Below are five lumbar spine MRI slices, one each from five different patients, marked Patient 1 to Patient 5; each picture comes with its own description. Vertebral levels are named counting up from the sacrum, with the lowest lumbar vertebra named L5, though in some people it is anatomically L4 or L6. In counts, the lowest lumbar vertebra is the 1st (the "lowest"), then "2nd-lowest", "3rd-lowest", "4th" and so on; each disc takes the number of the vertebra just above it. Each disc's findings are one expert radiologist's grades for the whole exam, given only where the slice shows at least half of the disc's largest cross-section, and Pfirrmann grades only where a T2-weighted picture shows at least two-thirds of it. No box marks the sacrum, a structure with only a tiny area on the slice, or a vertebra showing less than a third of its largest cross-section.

Patient 1 of 5:
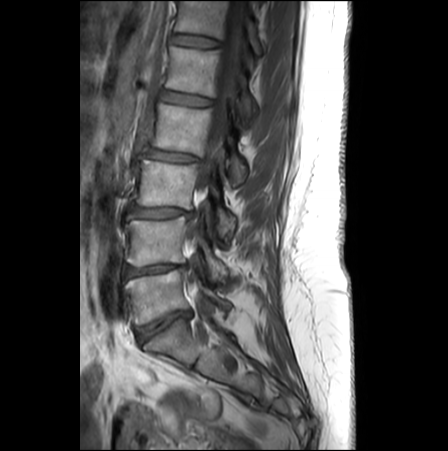
Lumbar spine MR, T1-weighted, sagittal. 448x451 px.
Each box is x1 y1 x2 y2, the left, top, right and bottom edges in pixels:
L5 at 124 268 229 323.
Intervertebral disc L3/L4 at 128 206 190 218.
L4/L5 at 122 263 185 277.
L4 vertebra at 124 216 227 280.
L3 at 136 159 235 239.
Intervertebral disc T12/L1 at 171 33 217 47.
L2 vertebra at 150 104 245 187.
L1/L2 at 161 91 210 106.
T12 at 175 0 262 54.
Spinal canal at 185 0 246 290.
Intervertebral disc L5/S1 at 137 311 190 343.
L1 at 165 46 256 119.
L2/L3 at 146 150 200 162.

Degenerative findings by level:
• L5/S1: disc narrowing, disc bulging, Modic type II
• L4/L5: upper-endplate change, disc bulging, disc narrowing, Modic type II
• L3/L4: disc bulging, Modic type II
• L2/L3: disc bulging, disc narrowing
• T12/L1, L1/L2: no spondylolisthesis, narrowing, bulging, herniation, Modic or endplate change recorded

Patient 2 of 5:
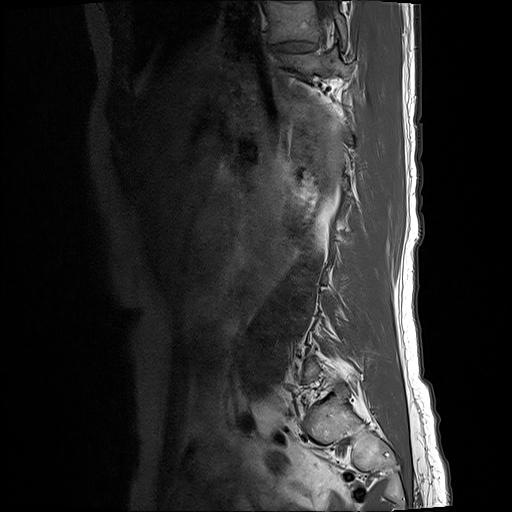 Image 512x512 | T1-weighted sagittal MRI of the lumbar spine

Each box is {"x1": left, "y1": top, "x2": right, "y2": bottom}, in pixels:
Structures:
• T10/T11: {"x1": 275, "y1": 43, "x2": 314, "y2": 54}
• T10 vertebra: {"x1": 267, "y1": 2, "x2": 345, "y2": 43}
• T11: {"x1": 279, "y1": 50, "x2": 353, "y2": 79}
• spinal canal: {"x1": 321, "y1": 2, "x2": 331, "y2": 16}

Degenerative findings by level:
  T10/T11: disc narrowing, disc bulging

Patient 3 of 5:
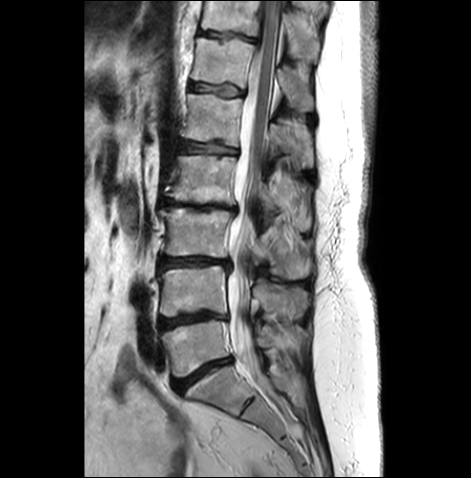

Sagittal slice index 13; Sagittal T2-weighted lumbar spine MRI
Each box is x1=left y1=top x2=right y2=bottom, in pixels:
L5 vertebra: x1=161 y1=319 x2=300 y2=376.
L4: x1=159 y1=264 x2=308 y2=317.
T12 vertebra: x1=191 y1=38 x2=313 y2=110.
Thecal sac / spinal canal: x1=227 y1=1 x2=280 y2=382.
Disc L2/L3: x1=162 y1=199 x2=236 y2=212.
L1: x1=182 y1=94 x2=313 y2=166.
Disc T11/T12: x1=199 y1=31 x2=257 y2=41.
Disc L4/L5: x1=159 y1=311 x2=226 y2=330.
L5/S1: x1=173 y1=358 x2=231 y2=392.
T11: x1=202 y1=1 x2=319 y2=60.
Disc L1/L2: x1=179 y1=141 x2=235 y2=153.
L3: x1=160 y1=207 x2=310 y2=279.
Disc T12/L1: x1=189 y1=83 x2=242 y2=96.
L2: x1=168 y1=155 x2=310 y2=230.
L3/L4: x1=159 y1=256 x2=231 y2=270.

Expert MSK radiologist gradings (per disc):
- L3/L4: Pfirrmann grade 4, disc narrowing, Modic type II, disc bulging
- L1/L2: Pfirrmann grade 3, Modic type II, lower-endplate change, upper-endplate change, disc bulging
- T12/L1: Pfirrmann grade 3, lower-endplate change, upper-endplate change, disc bulging
- L2/L3: Modic type II, upper-endplate change, disc bulging, lower-endplate change, disc narrowing
- L5/S1: Pfirrmann grade 4, Modic type II, disc bulging, disc narrowing
- L4/L5: Pfirrmann grade 4, upper-endplate change, lower-endplate change, Modic type II, disc bulging, disc narrowing
- T11/T12: Pfirrmann grade 3, lower-endplate change, upper-endplate change, disc bulging

Patient 4 of 5:
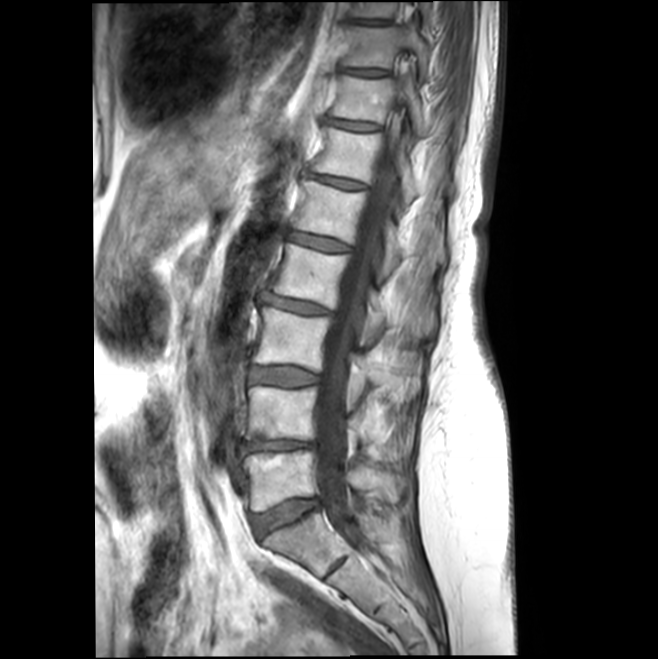 Field of view 308x308 mm, slice spacing 4.4 mm | Image 658x659 | Lumbar spine MR, T1-weighted, sagittal
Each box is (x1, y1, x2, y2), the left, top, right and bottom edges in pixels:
L1 vertebra at (292, 180, 442, 267), L4 at (246, 386, 405, 458), intervertebral disc T10/T11 at (347, 70, 386, 76), L2 at (273, 244, 435, 336), L1/L2 at (288, 232, 349, 250), T12 at (314, 127, 418, 207), thecal sac / spinal canal at (316, 49, 409, 540), T11 at (330, 75, 428, 136), intervertebral disc L5/S1 at (251, 498, 318, 538), L5 at (243, 450, 403, 511), L3 vertebra at (252, 306, 419, 396), T10 at (343, 26, 428, 78), T11/T12 at (328, 120, 378, 130), T12/L1 at (313, 175, 363, 189), intervertebral disc L4/L5 at (242, 440, 314, 451), T9 vertebra at (355, 2, 432, 25), intervertebral disc L3/L4 at (251, 367, 318, 386), intervertebral disc T9/T10 at (360, 20, 385, 25), L2/L3 at (265, 296, 328, 313).

Radiological gradings:
- L2/L3: disc bulging
- L5/S1: disc bulging
- L3/L4: Modic type II, disc bulging
- L4/L5: lower-endplate change, Modic type II, upper-endplate change, disc bulging
- T11/T12, T10/T11, T12/L1, L1/L2: no herniation, bulging, narrowing, spondylolisthesis, endplate or Modic change recorded

Patient 5 of 5:
Field of view 308x311 mm. Sex F. Lumbar spine MR, T1-weighted, sagittal.

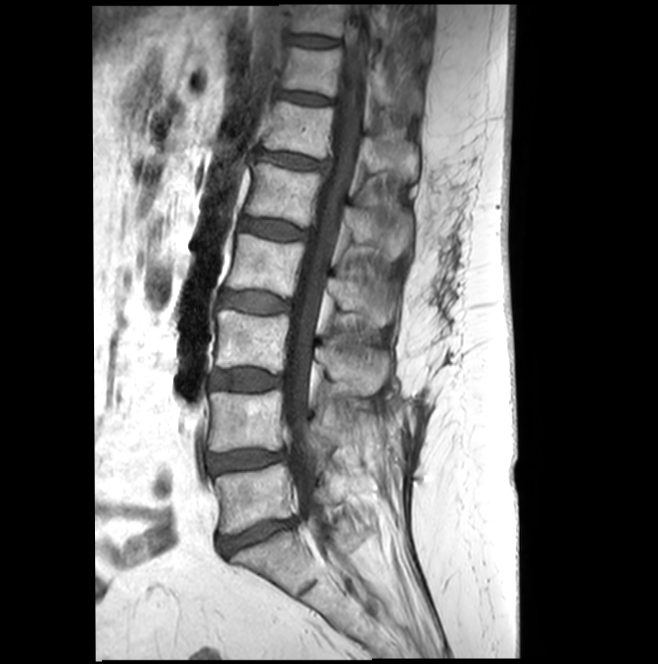 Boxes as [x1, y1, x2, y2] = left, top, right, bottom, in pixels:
Structures:
- IVD T10/T11: [291, 34, 340, 47]
- L3 vertebra: [215, 309, 389, 394]
- IVD T12/L1: [256, 150, 325, 170]
- IVD L5/S1: [218, 519, 295, 555]
- L1: [246, 164, 411, 259]
- T11 vertebra: [283, 48, 421, 115]
- T12 vertebra: [262, 101, 418, 180]
- L2: [225, 233, 396, 326]
- L3/L4: [211, 369, 282, 391]
- L4: [209, 389, 333, 460]
- T10: [292, 4, 391, 44]
- L4/L5: [207, 450, 286, 473]
- IVD L2/L3: [221, 290, 290, 313]
- IVD T11/T12: [280, 92, 331, 105]
- thecal sac / spinal canal: [284, 7, 365, 545]
- L1/L2: [239, 217, 307, 238]
- L5: [215, 464, 333, 533]

Degenerative findings by level:
  L5/S1: Modic type II, disc bulging, disc narrowing
  T12/L1: disc bulging
  L4/L5: disc narrowing
  L3/L4: Modic type II
  L1/L2, T10/T11, L2/L3, T11/T12: no spondylolisthesis, narrowing, bulging, herniation, Modic or endplate change recorded